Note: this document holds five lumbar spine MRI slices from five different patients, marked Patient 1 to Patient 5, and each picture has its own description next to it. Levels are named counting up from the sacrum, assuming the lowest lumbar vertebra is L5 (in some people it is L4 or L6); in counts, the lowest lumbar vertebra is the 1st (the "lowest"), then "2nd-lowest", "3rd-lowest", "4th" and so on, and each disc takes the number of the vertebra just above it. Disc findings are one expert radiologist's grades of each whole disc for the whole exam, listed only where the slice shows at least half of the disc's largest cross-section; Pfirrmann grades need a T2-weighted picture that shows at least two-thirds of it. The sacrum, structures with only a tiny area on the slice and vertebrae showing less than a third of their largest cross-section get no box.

Patient 1 of 5:
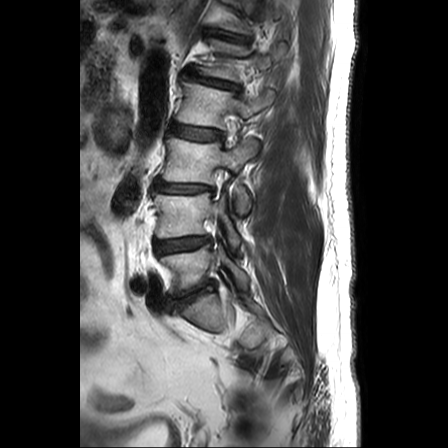 MRI lumbar spine (T2-weighted), sagittal plane, Sagittal slice index 17, Patient sex: M

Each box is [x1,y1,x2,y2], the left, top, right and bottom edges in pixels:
L5 vertebra at [160,245,248,295], intervertebral disc L5/S1 at [168,279,217,311], intervertebral disc L2/L3 at [172,125,221,140], L4 vertebra at [153,193,240,247], intervertebral disc T12/L1 at [205,29,248,41], L1 at [199,39,285,80], T12 vertebra at [218,0,285,33], L1/L2 at [188,73,239,90], intervertebral disc L3/L4 at [155,181,212,193], L4/L5 at [154,237,209,254], L3 at [162,137,257,214], L2 vertebra at [176,82,274,129].

Expert MSK radiologist gradings (per disc):
  T12/L1: Pfirrmann grade 3, disc bulging, disc narrowing
  L1/L2: Pfirrmann grade 3, disc narrowing, disc bulging
  L5/S1: Pfirrmann grade 5, disc bulging, disc narrowing
  L2/L3: Pfirrmann grade 2
  L3/L4: Pfirrmann grade 5, disc herniation, disc narrowing
  L4/L5: Pfirrmann grade 2, disc bulging

Patient 2 of 5:
Patient sex: M. Slice 78 of 120. T2 SPACE (3D) sagittal MRI of the lumbar spine. 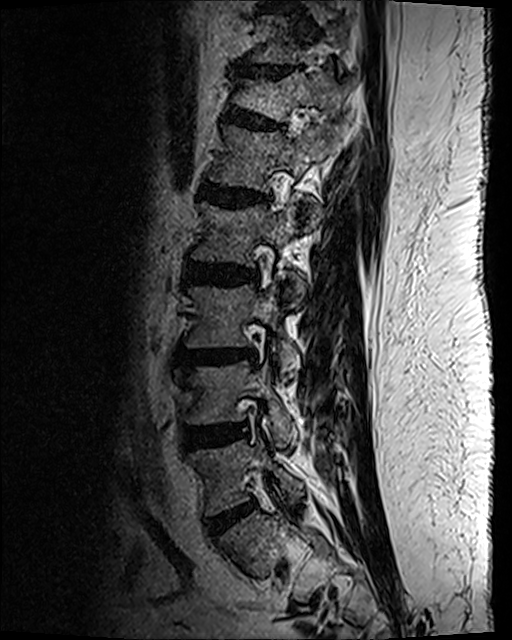 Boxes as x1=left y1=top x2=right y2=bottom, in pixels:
6th vertebra: x1=232 y1=72 x2=349 y2=122 | 2nd-lowest disc: x1=184 y1=426 x2=245 y2=450 | 7th vertebra: x1=251 y1=17 x2=341 y2=72 | lowest vertebra: x1=191 y1=442 x2=303 y2=514 | 2nd-lowest vertebra: x1=185 y1=363 x2=296 y2=444 | 6th disc: x1=225 y1=107 x2=282 y2=130 | lowest disc: x1=206 y1=501 x2=256 y2=538 | 7th disc: x1=238 y1=65 x2=291 y2=78 | 3rd-lowest disc: x1=181 y1=351 x2=255 y2=366 | 5th disc: x1=199 y1=182 x2=268 y2=207 | 5th vertebra: x1=210 y1=126 x2=336 y2=193 | 4th disc: x1=185 y1=262 x2=258 y2=286 | 4th vertebra: x1=194 y1=200 x2=303 y2=308 | 3rd-lowest vertebra: x1=187 y1=280 x2=298 y2=381

Degenerative findings by level:
  4th disc: Pfirrmann grade 3, disc bulging, lower-endplate change
  5th disc: Pfirrmann grade 3, Modic type II, disc bulging, disc narrowing, upper-endplate change, lower-endplate change
  3rd-lowest disc: disc bulging, Modic type II, lower-endplate change, upper-endplate change
  6th disc: lower-endplate change, spondylolisthesis, disc bulging, upper-endplate change
  2nd-lowest disc: disc bulging, disc narrowing
  7th disc: lower-endplate change, disc bulging, upper-endplate change, disc narrowing

Patient 3 of 5:
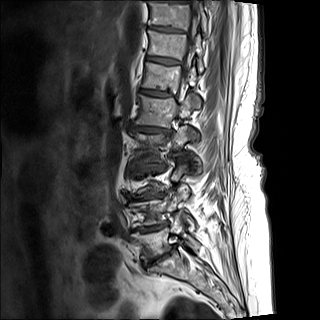 Slice 5 of 17; Sagittal T1-weighted lumbar spine MRI

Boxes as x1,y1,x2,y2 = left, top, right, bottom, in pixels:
T12 (6th vertebra) — 142,62,196,90.
L4/L5 (2nd-lowest disc) — 135,223,166,233.
L1/L2 (5th disc) — 132,126,167,133.
L1 (5th vertebra) — 135,94,200,128.
T11/T12 (7th disc) — 147,56,178,64.
T12/L1 (6th disc) — 140,89,168,96.
T11 (7th vertebra) — 148,30,203,71.
Spinal canal — 182,0,200,84.
T10/T11 (8th disc) — 149,26,183,32.
L4 (2nd-lowest vertebra) — 129,185,189,226.
T10 (8th vertebra) — 148,0,206,34.
L5 (lowest vertebra) — 132,212,200,262.
IVD L5/S1 (lowest disc) — 150,245,176,263.
L2 (4th vertebra) — 135,126,202,171.

Expert MSK radiologist gradings (per disc):
  T11/T12 (7th disc): upper-endplate change
  T10/T11 (8th disc): upper-endplate change
  L4/L5 (2nd-lowest disc): upper-endplate change, Modic type II, disc narrowing, disc bulging, lower-endplate change
  L1/L2 (5th disc): lower-endplate change, disc narrowing, Modic type I, disc bulging, upper-endplate change
  T12/L1 (6th disc): no herniation, bulging, narrowing, spondylolisthesis, endplate or Modic change recorded

Patient 4 of 5:
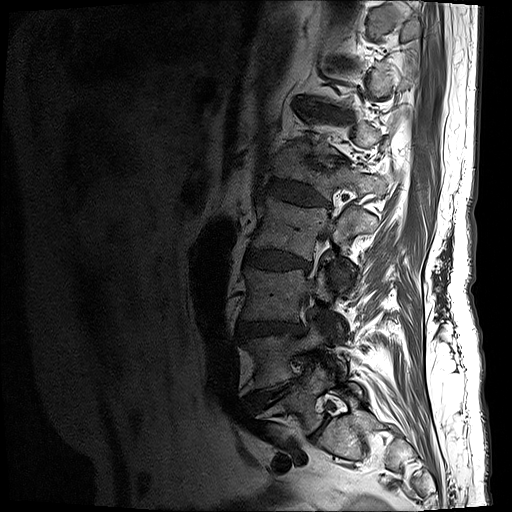 Slice 5/19; Patient sex: M; MRI lumbar spine (T1-weighted), sagittal plane
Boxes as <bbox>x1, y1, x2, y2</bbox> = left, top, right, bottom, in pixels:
L1 at <bbox>272, 151, 384, 198</bbox>, L4 at <bbox>245, 320, 346, 391</bbox>, IVD L5/S1 at <bbox>311, 418, 328, 438</bbox>, L5 at <bbox>279, 364, 362, 432</bbox>, L3 at <bbox>243, 268, 343, 332</bbox>, IVD L3/L4 at <bbox>239, 322, 302, 337</bbox>, L2 at <bbox>252, 196, 378, 282</bbox>, L1/L2 at <bbox>267, 179, 329, 206</bbox>, IVD L4/L5 at <bbox>247, 377, 300, 409</bbox>, L2/L3 at <bbox>244, 249, 310, 270</bbox>.

Degenerative findings by level:
• L4/L5: disc bulging, disc herniation, disc narrowing, lower-endplate change, upper-endplate change, Modic type II
• L1/L2: disc bulging, lower-endplate change, disc narrowing, upper-endplate change
• L3/L4: lower-endplate change, upper-endplate change, disc narrowing, disc bulging
• L2/L3: disc bulging, lower-endplate change, upper-endplate change, disc narrowing, Modic type II

Patient 5 of 5:
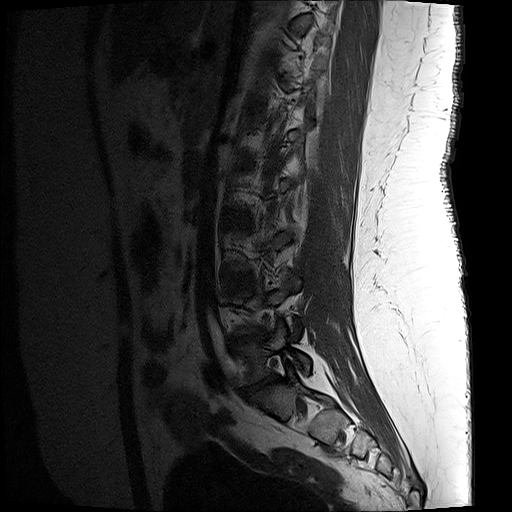
Sex F. 512x512 px. T1-weighted sagittal MRI of the lumbar spine.
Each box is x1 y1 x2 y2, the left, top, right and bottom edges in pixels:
2nd-lowest disc: 234 330 262 343.
Lowest disc: 244 375 278 396.
Lowest vertebra: 236 321 310 383.